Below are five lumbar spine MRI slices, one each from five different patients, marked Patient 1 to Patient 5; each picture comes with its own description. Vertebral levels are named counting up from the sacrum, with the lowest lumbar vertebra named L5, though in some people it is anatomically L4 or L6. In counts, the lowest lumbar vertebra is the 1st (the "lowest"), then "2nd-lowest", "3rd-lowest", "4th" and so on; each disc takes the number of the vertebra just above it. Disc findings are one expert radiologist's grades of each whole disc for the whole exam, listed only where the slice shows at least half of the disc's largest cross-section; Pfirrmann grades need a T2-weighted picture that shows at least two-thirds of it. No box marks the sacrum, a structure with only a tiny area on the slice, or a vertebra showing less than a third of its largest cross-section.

Patient 1 of 5:
Field of view 260x262 mm. Lumbar spine MR, T1-weighted, sagittal. Image 414x418.
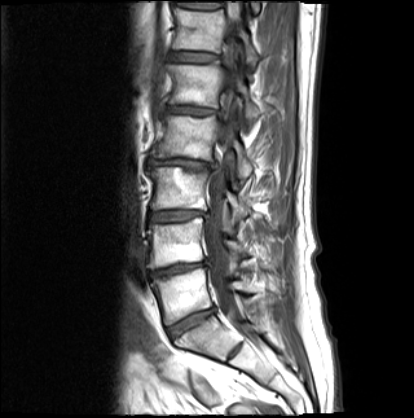 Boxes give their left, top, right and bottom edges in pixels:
2nd-lowest disc: left=149, top=260, right=209, bottom=277
6th disc: left=171, top=52, right=218, bottom=62
lowest vertebra: left=153, top=268, right=255, bottom=324
thecal sac / spinal canal: left=204, top=17, right=245, bottom=332
6th vertebra: left=173, top=8, right=258, bottom=67
4th disc: left=148, top=158, right=218, bottom=169
2nd-lowest vertebra: left=148, top=217, right=246, bottom=268
3rd-lowest vertebra: left=149, top=167, right=247, bottom=220
lowest disc: left=170, top=308, right=214, bottom=337
4th vertebra: left=150, top=115, right=253, bottom=182
5th vertebra: left=168, top=62, right=260, bottom=124
3rd-lowest disc: left=149, top=210, right=209, bottom=221
5th disc: left=166, top=105, right=222, bottom=115

Expert MSK radiologist gradings (per disc):
  3rd-lowest disc: disc narrowing, Modic type II, disc bulging
  2nd-lowest disc: Modic type II, lower-endplate change, disc bulging, disc narrowing, upper-endplate change
  4th disc: Modic type II, upper-endplate change, lower-endplate change, disc bulging, disc narrowing
  5th disc: disc narrowing, lower-endplate change, upper-endplate change, Modic type II, disc bulging
  lowest disc: disc narrowing, disc bulging, Modic type II
  6th disc: no spondylolisthesis, narrowing, bulging, herniation, Modic or endplate change recorded

Patient 2 of 5:
Scanner: SIEMENS Avanto_fit (1.5T), Slice 45 of 120, MRI lumbar spine (T2 SPACE (3D)), sagittal plane
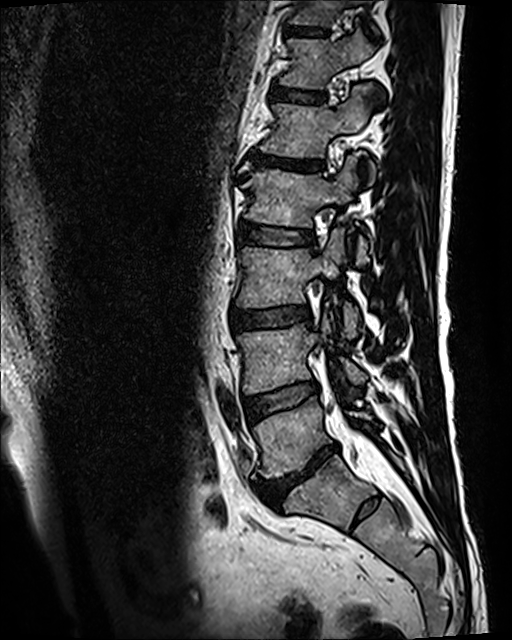

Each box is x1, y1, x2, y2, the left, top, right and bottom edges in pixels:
Structures:
- 7th vertebra: 289, 0, 375, 30
- lowest disc: 257, 445, 336, 507
- 4th disc: 239, 224, 314, 246
- 4th vertebra: 241, 156, 367, 262
- spinal canal: 348, 435, 390, 485
- 5th disc: 252, 152, 322, 171
- 5th vertebra: 260, 84, 375, 180
- 7th disc: 291, 30, 327, 36
- 2nd-lowest vertebra: 237, 316, 366, 394
- 6th disc: 271, 87, 326, 102
- 6th vertebra: 279, 31, 374, 88
- 3rd-lowest vertebra: 236, 229, 359, 337
- 2nd-lowest disc: 244, 381, 317, 420
- lowest vertebra: 254, 397, 371, 478
- 3rd-lowest disc: 229, 306, 310, 330

Radiological gradings:
- 3rd-lowest disc: Pfirrmann grade 3, upper-endplate change, lower-endplate change, disc bulging
- 4th disc: Pfirrmann grade 3
- 5th disc: disc bulging, upper-endplate change, Modic type II, disc narrowing, lower-endplate change
- 6th disc: Pfirrmann grade 3
- 2nd-lowest disc: Pfirrmann grade 3, Modic type II
- lowest disc: Pfirrmann grade 5, disc bulging, disc narrowing, Modic type II, lower-endplate change, upper-endplate change

Patient 3 of 5:
MRI lumbar spine (T1-weighted), sagittal plane; Scanner: Philips Healthcare Ingenia (3T); Image 796x800 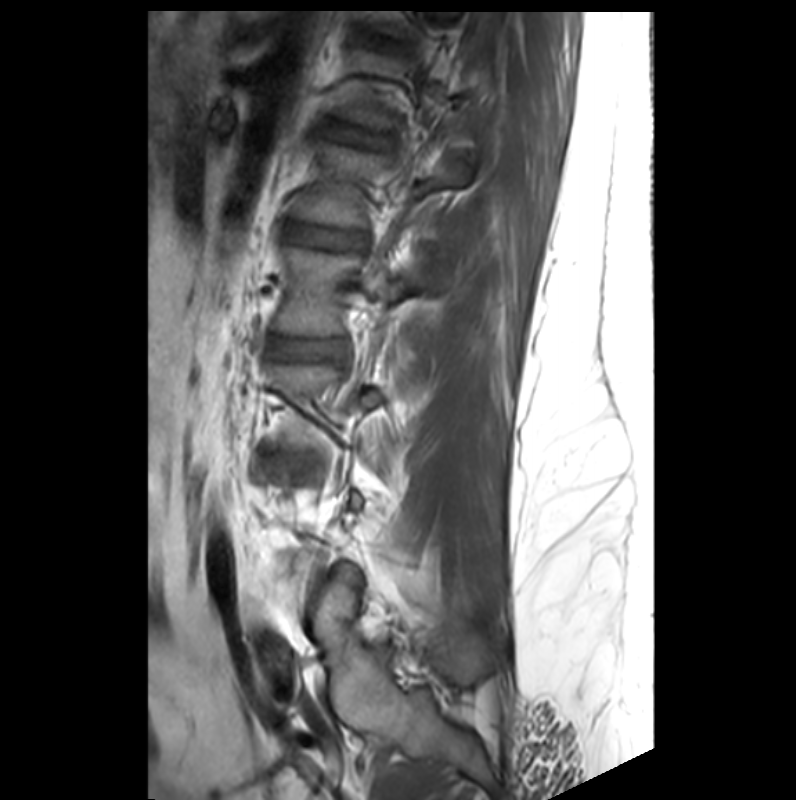

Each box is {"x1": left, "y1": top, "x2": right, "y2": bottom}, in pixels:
L2/L3 at {"x1": 275, "y1": 340, "x2": 344, "y2": 355}, IVD L1/L2 at {"x1": 286, "y1": 224, "x2": 359, "y2": 248}, L1 at {"x1": 293, "y1": 143, "x2": 468, "y2": 228}, L2 vertebra at {"x1": 274, "y1": 247, "x2": 428, "y2": 336}, T12/L1 at {"x1": 334, "y1": 128, "x2": 375, "y2": 144}.

Radiological gradings:
- L1/L2: lower-endplate change, upper-endplate change

Patient 4 of 5:
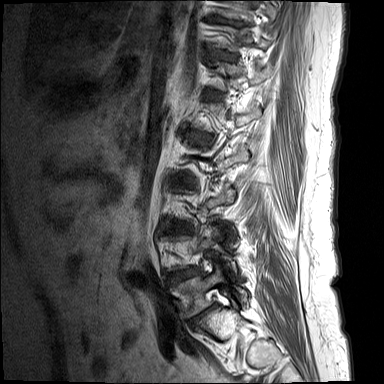

Patient sex: F, Sagittal T1-weighted lumbar spine MRI

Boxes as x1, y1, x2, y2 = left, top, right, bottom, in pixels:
Segmented structures:
* 7th disc — 221, 54, 236, 60
* lowest disc — 191, 304, 217, 323
* 2nd-lowest disc — 172, 269, 197, 279
* lowest vertebra — 176, 265, 248, 316

Patient 5 of 5:
Image 427x424. T1-weighted sagittal MRI of the lumbar spine. Patient sex: M. 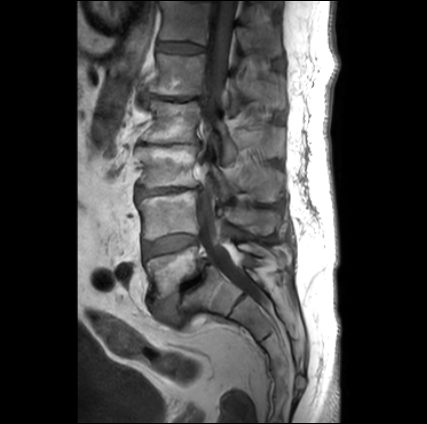
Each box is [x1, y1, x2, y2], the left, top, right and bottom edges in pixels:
L3/L4 (3rd-lowest disc): [136, 185, 202, 196].
L2 (4th vertebra): [142, 98, 284, 161].
L5 (lowest vertebra): [145, 243, 283, 298].
Disc L1/L2 (5th disc): [141, 92, 206, 103].
T12 (6th vertebra): [159, 1, 281, 55].
Thecal sac / spinal canal: [197, 0, 266, 305].
L3 (3rd-lowest vertebra): [136, 143, 282, 202].
L4 (2nd-lowest vertebra): [137, 190, 283, 240].
L4/L5 (2nd-lowest disc): [143, 234, 198, 258].
T12/L1 (6th disc): [157, 42, 205, 51].
L1 (5th vertebra): [148, 52, 285, 112].
Disc L5/S1 (lowest disc): [153, 260, 209, 322].

Degenerative findings by level:
- L4/L5 (2nd-lowest disc): Modic type II
- L3/L4 (3rd-lowest disc): disc bulging, Modic type II, disc narrowing, upper-endplate change, lower-endplate change
- L5/S1 (lowest disc): upper-endplate change, lower-endplate change, spondylolisthesis, disc narrowing, Modic type II, disc bulging
- L1/L2 (5th disc): upper-endplate change, disc bulging, disc narrowing, disc herniation, Modic type II, lower-endplate change
- T12/L1 (6th disc): no Modic or endplate change, herniation, narrowing, bulging or spondylolisthesis recorded